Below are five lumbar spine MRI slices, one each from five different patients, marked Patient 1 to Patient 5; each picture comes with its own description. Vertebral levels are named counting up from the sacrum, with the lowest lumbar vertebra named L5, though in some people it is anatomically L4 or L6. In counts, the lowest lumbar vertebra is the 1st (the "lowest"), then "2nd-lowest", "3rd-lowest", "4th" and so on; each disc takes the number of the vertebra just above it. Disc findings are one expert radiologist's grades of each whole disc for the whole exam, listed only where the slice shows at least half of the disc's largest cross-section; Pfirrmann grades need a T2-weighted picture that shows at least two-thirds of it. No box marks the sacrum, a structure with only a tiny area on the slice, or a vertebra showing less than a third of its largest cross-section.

Patient 1 of 5:
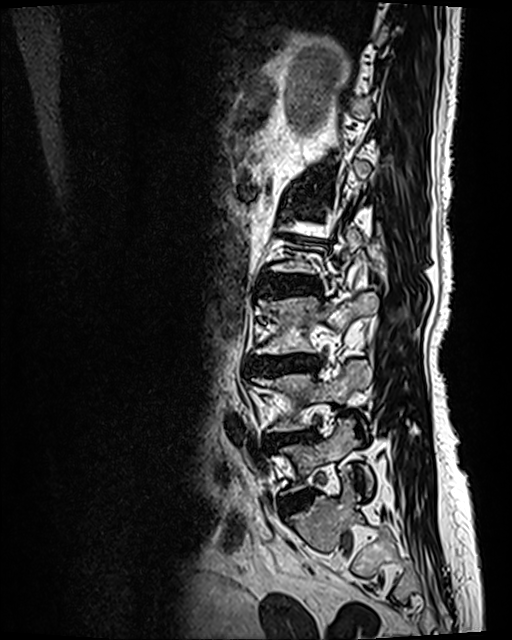
Sagittal T2 SPACE (3D) lumbar spine MRI

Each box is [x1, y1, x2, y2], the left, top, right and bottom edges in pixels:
Disc L3/L4 (3rd-lowest disc): [249, 354, 319, 374].
Disc L4/L5 (2nd-lowest disc): [267, 430, 315, 447].
L4 (2nd-lowest vertebra): [253, 360, 372, 431].
L5 (lowest vertebra): [281, 419, 373, 493].
Disc L2/L3 (4th disc): [265, 273, 317, 293].
Disc L5/S1 (lowest disc): [284, 492, 310, 510].
L3 (3rd-lowest vertebra): [257, 292, 379, 354].

Per-level radiological findings:
- L3/L4 (3rd-lowest disc): Pfirrmann grade 4, disc narrowing, Modic type II, upper-endplate change, lower-endplate change, disc bulging
- L2/L3 (4th disc): lower-endplate change, disc bulging, Modic type II, upper-endplate change

Patient 2 of 5:
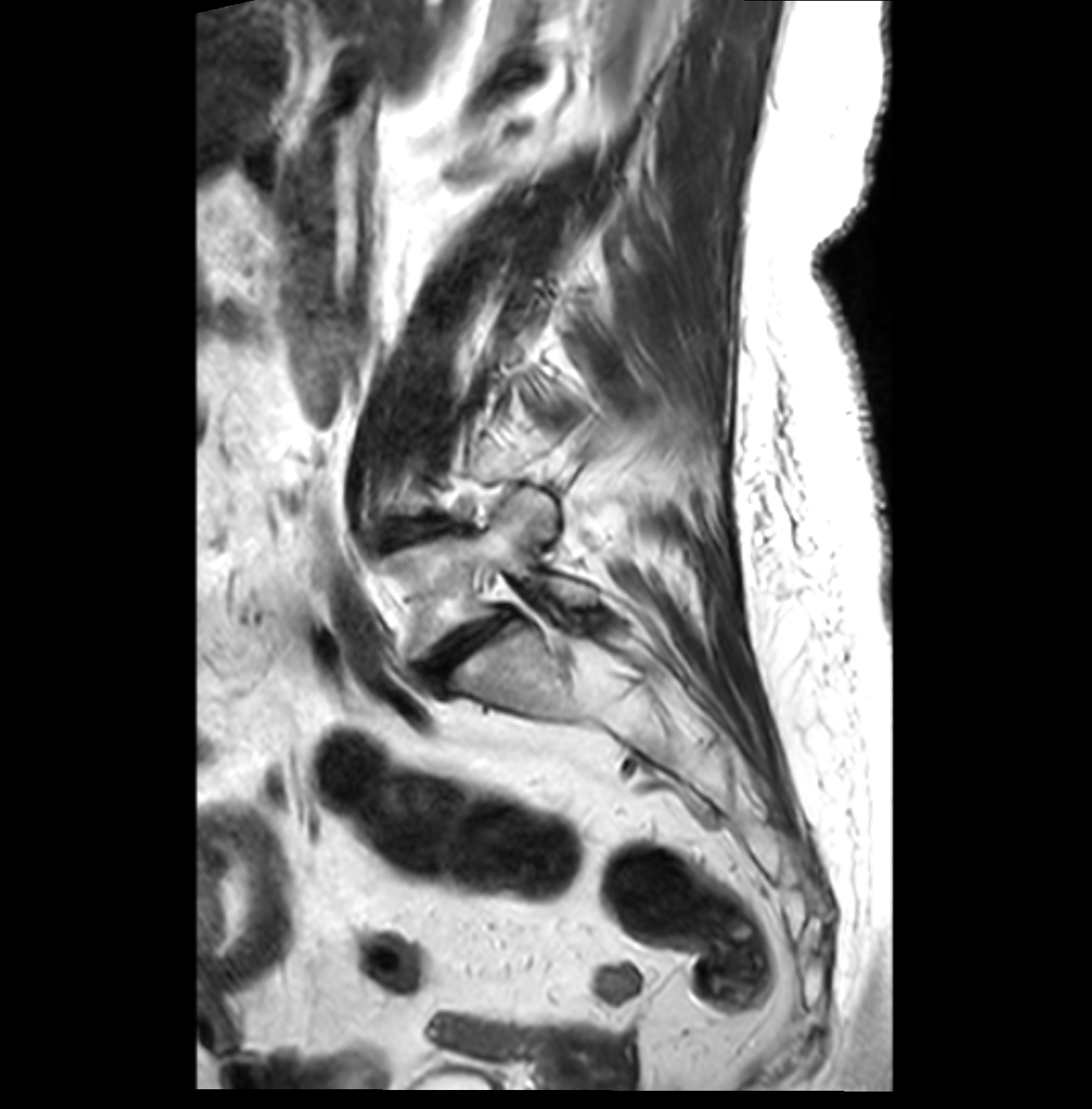 Sagittal slice index 12; Sagittal T2-weighted lumbar spine MRI
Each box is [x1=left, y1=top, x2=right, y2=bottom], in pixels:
IVD L4/L5: [x1=389, y1=521, x2=445, y2=540].
L5: [x1=386, y1=488, x2=595, y2=657].
IVD L5/S1: [x1=425, y1=611, x2=509, y2=686].

Radiological gradings:
- L5/S1: spondylolisthesis, Modic type II, disc bulging, disc narrowing

Patient 3 of 5:
Scanner: Philips Healthcare Ingenia (3T); MRI lumbar spine (T1-weighted), sagittal plane; Sagittal slice index 7 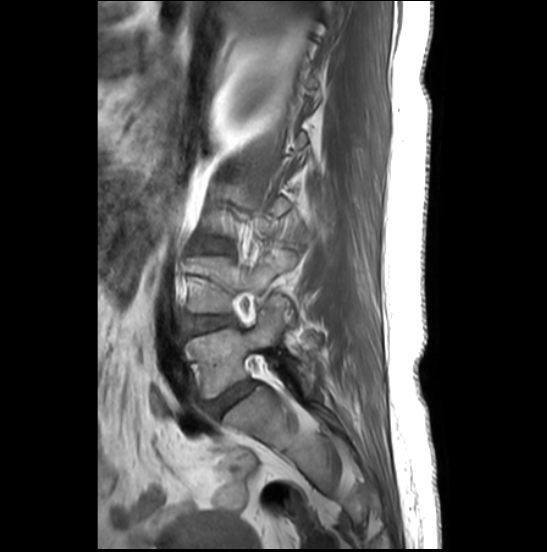 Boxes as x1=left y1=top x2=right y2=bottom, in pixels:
• L5/S1 — x1=206 y1=381 x2=253 y2=416
• intervertebral disc L3/L4 — x1=195 y1=243 x2=226 y2=251
• intervertebral disc L4/L5 — x1=187 y1=316 x2=234 y2=334
• L5 — x1=186 y1=297 x2=317 y2=398
• L4 vertebra — x1=182 y1=249 x2=295 y2=312

Expert MSK radiologist gradings (per disc):
  L5/S1: disc bulging
  L4/L5: disc bulging

Patient 4 of 5:
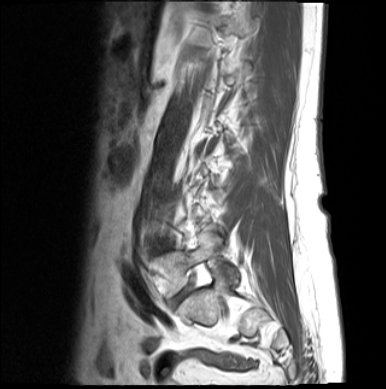 386x389 px; T1-weighted sagittal MRI of the lumbar spine

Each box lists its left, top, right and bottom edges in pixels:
Lowest vertebra at left=149, top=235, right=221, bottom=296; lowest disc at left=176, top=288, right=188, bottom=301.

Patient 5 of 5:
MRI lumbar spine (T1-weighted), sagittal plane | Sex F
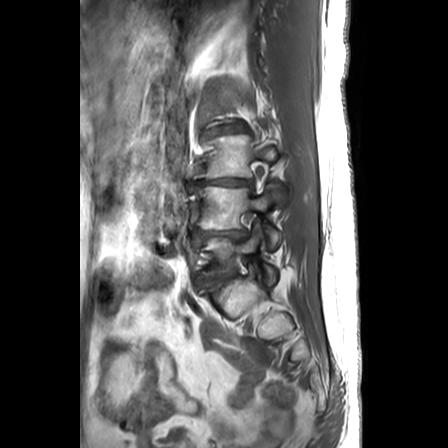
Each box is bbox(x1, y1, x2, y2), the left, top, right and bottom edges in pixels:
Segmented structures:
* L3 at bbox(195, 135, 276, 178)
* intervertebral disc L4/L5 at bbox(196, 230, 246, 245)
* L2/L3 at bbox(202, 120, 250, 137)
* intervertebral disc L3/L4 at bbox(194, 178, 252, 191)
* L4 at bbox(199, 184, 288, 249)
* L5 at bbox(205, 224, 278, 284)

Per-level radiological findings:
  L3/L4: upper-endplate change, disc narrowing, disc bulging, lower-endplate change, Modic type II
  L2/L3: upper-endplate change, disc narrowing, disc bulging, lower-endplate change
  L4/L5: lower-endplate change, disc narrowing, upper-endplate change, disc bulging, Modic type II